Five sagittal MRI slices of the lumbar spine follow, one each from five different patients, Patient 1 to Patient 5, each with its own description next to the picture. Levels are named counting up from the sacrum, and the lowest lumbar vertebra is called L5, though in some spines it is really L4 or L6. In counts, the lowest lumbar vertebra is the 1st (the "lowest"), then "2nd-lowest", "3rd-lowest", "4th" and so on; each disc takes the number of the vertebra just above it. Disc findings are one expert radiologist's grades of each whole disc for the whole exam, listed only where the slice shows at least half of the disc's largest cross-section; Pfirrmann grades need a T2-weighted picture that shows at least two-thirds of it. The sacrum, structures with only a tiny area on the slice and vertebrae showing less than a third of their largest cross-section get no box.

Patient 1 of 5:
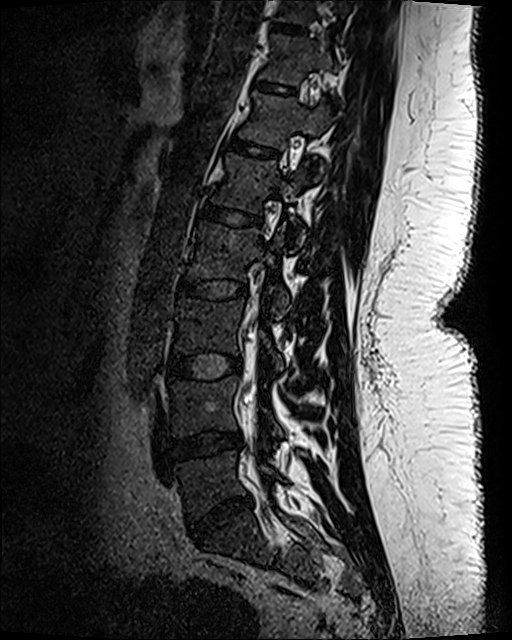

Image 512x640; Sagittal T2 SPACE (3D) lumbar spine MRI

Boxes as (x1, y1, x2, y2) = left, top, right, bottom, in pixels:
{"L3 vertebra": "(176, 299, 284, 370)", "L4 vertebra": "(169, 377, 282, 436)", "T10": "(276, 0, 350, 25)", "disc L5/S1": "(188, 497, 251, 538)", "T12 vertebra": "(239, 93, 332, 172)", "thecal sac / spinal canal": "(243, 322, 257, 413)", "L3/L4": "(170, 354, 241, 379)", "disc T10/T11": "(274, 24, 305, 35)", "L1": "(209, 154, 307, 242)", "T11": "(259, 35, 335, 84)", "L2": "(189, 221, 290, 315)", "disc T11/T12": "(252, 80, 294, 96)", "L5": "(177, 451, 274, 518)", "L1/L2": "(197, 202, 263, 228)", "T12/L1": "(228, 137, 278, 160)", "L2/L3": "(177, 278, 247, 300)", "L4/L5": "(169, 431, 241, 460)"}

Radiological gradings:
• L4/L5: Pfirrmann grade 3, disc bulging, disc narrowing
• L5/S1: Pfirrmann grade 4, disc bulging, disc narrowing
• L3/L4: Pfirrmann grade 1
• L1/L2: Pfirrmann grade 1
• T12/L1: Pfirrmann grade 1
• L2/L3: Pfirrmann grade 1
• T11/T12: no Modic or endplate change, herniation, narrowing, bulging or spondylolisthesis recorded

Patient 2 of 5:
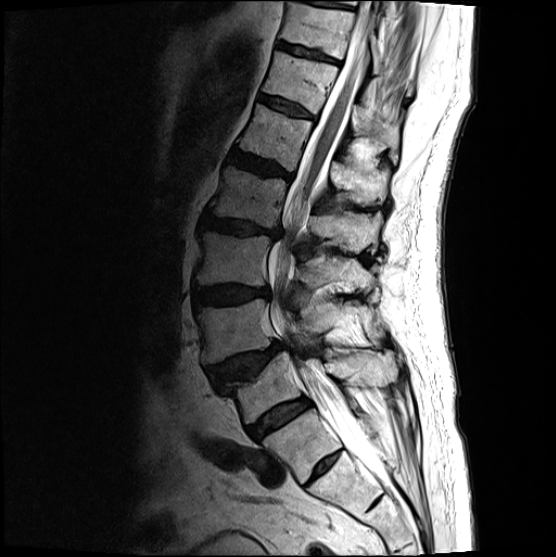

Patient sex: M | 556x557 px | Sagittal T2-weighted lumbar spine MRI
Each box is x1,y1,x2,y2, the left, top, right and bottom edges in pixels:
Structures:
• L1 (5th vertebra) — 238,104,388,205
• L3 (3rd-lowest vertebra) — 195,231,376,291
• T12 (6th vertebra) — 263,51,398,161
• L2 (4th vertebra) — 208,166,382,253
• L4 (2nd-lowest vertebra) — 196,299,376,364
• L1/L2 (5th disc) — 228,150,292,180
• L5 (lowest vertebra) — 226,350,396,423
• L5/S1 (lowest disc) — 246,397,311,439
• T12/L1 (6th disc) — 257,94,314,119
• IVD L3/L4 (3rd-lowest disc) — 193,285,270,308
• thecal sac / spinal canal — 267,1,383,476
• IVD L4/L5 (2nd-lowest disc) — 207,341,288,388
• T11 (7th vertebra) — 280,2,380,74
• T11/T12 (7th disc) — 277,41,339,63
• IVD L2/L3 (4th disc) — 200,212,282,238

Per-level radiological findings:
- L3/L4 (3rd-lowest disc): Pfirrmann grade 4, disc bulging
- T11/T12 (7th disc): Pfirrmann grade 3, lower-endplate change
- L5/S1 (lowest disc): Pfirrmann grade 4
- L4/L5 (2nd-lowest disc): Pfirrmann grade 4, upper-endplate change, spondylolisthesis, disc herniation
- L2/L3 (4th disc): Pfirrmann grade 4, disc narrowing, disc bulging, lower-endplate change, upper-endplate change
- T12/L1 (6th disc): Pfirrmann grade 3
- L1/L2 (5th disc): Pfirrmann grade 4, upper-endplate change, disc bulging, lower-endplate change

Patient 3 of 5:
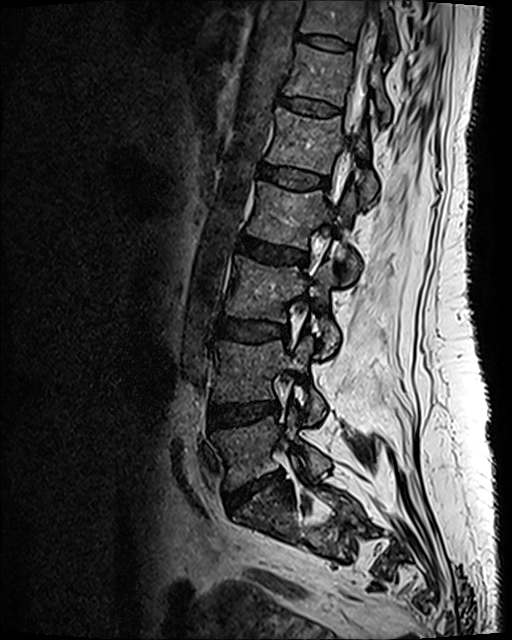 Slice 48/120 | Image 512x640 | MRI lumbar spine (T2 SPACE (3D)), sagittal plane | Field of view 240x300 mm, slice spacing 0.9 mm
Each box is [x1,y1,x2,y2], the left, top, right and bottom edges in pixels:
T11 vertebra = [299,0,399,60].
L3/L4 = [219,318,286,341].
Disc L4/L5 = [209,401,279,427].
Disc T11/T12 = [296,35,351,52].
L1 vertebra = [267,107,377,201].
L2/L3 = [238,236,306,264].
Disc T12/L1 = [277,96,337,115].
L2 = [247,182,360,280].
L5/S1 = [226,473,279,511].
L5 = [211,410,330,488].
T12 = [285,44,390,122].
Spinal canal = [338,8,374,178].
L3 = [226,256,338,355].
L4 vertebra = [213,338,324,423].
Disc L1/L2 = [259,165,329,189].

Expert MSK radiologist gradings (per disc):
  L1/L2: Pfirrmann grade 2
  T11/T12: Pfirrmann grade 2
  L5/S1: disc narrowing, upper-endplate change, lower-endplate change, disc herniation
  T12/L1: Pfirrmann grade 2
  L2/L3: Pfirrmann grade 3, disc bulging
  L4/L5: Pfirrmann grade 3, disc bulging
  L3/L4: no spondylolisthesis, narrowing, bulging, herniation, Modic or endplate change recorded

Patient 4 of 5:
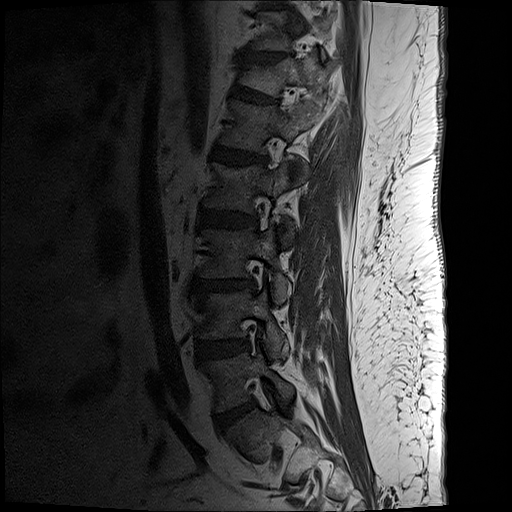
T1-weighted sagittal MRI of the lumbar spine

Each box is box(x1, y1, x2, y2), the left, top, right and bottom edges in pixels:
T12/L1: box(234, 86, 276, 104) | L4: box(202, 291, 288, 355) | disc L5/S1: box(218, 402, 254, 429) | L3: box(202, 224, 290, 305) | L4/L5: box(200, 341, 245, 360) | L2/L3: box(200, 211, 257, 228) | L1: box(220, 102, 319, 153) | L5 vertebra: box(206, 352, 293, 410) | T12: box(239, 59, 329, 98) | L3/L4: box(197, 281, 254, 292) | L2 vertebra: box(207, 160, 291, 245) | L1/L2: box(214, 146, 265, 165) | T11/T12: box(243, 52, 283, 62)

Expert MSK radiologist gradings (per disc):
- T12/L1: spondylolisthesis, disc bulging, lower-endplate change, upper-endplate change
- L3/L4: upper-endplate change, disc bulging, lower-endplate change, Modic type II
- L2/L3: lower-endplate change, disc bulging
- L1/L2: Modic type II, lower-endplate change, upper-endplate change, disc narrowing, disc bulging
- L4/L5: disc bulging, disc narrowing

Patient 5 of 5:
Sagittal T2 SPACE (3D) lumbar spine MRI

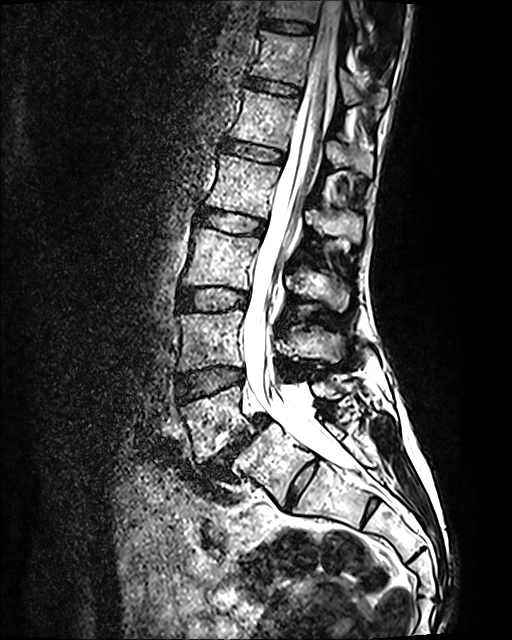 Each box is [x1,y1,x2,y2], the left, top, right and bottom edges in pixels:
spinal canal: [242,0,352,470]
5th disc: [225,141,283,162]
lowest disc: [201,415,269,477]
6th disc: [246,78,299,94]
7th vertebra: [267,0,363,40]
4th disc: [198,208,264,234]
2nd-lowest vertebra: [177,310,338,371]
6th vertebra: [251,31,387,107]
4th vertebra: [206,154,362,246]
2nd-lowest disc: [177,367,244,402]
3rd-lowest vertebra: [183,228,349,310]
3rd-lowest disc: [179,288,247,310]
5th vertebra: [229,89,373,175]
7th disc: [263,20,314,32]
lowest vertebra: [180,376,361,462]

Degenerative findings by level:
- 6th disc: Pfirrmann grade 2
- lowest disc: Pfirrmann grade 5, disc narrowing, spondylolisthesis, Modic type II, disc bulging
- 2nd-lowest disc: Pfirrmann grade 2
- 5th disc: Pfirrmann grade 2
- 4th disc: Pfirrmann grade 2
- 7th disc: Pfirrmann grade 2
- 3rd-lowest disc: Pfirrmann grade 2